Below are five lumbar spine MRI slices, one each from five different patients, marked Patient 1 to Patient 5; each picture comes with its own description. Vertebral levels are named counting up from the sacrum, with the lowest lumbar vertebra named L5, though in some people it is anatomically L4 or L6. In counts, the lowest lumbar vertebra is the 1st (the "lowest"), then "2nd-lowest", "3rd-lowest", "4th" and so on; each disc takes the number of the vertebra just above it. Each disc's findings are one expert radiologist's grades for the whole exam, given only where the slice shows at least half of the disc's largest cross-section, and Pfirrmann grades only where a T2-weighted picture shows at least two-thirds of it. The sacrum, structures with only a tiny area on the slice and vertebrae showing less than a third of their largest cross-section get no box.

Patient 1 of 5:
Patient sex: F. Sagittal T2 SPACE (3D) lumbar spine MRI. 512x640 px.
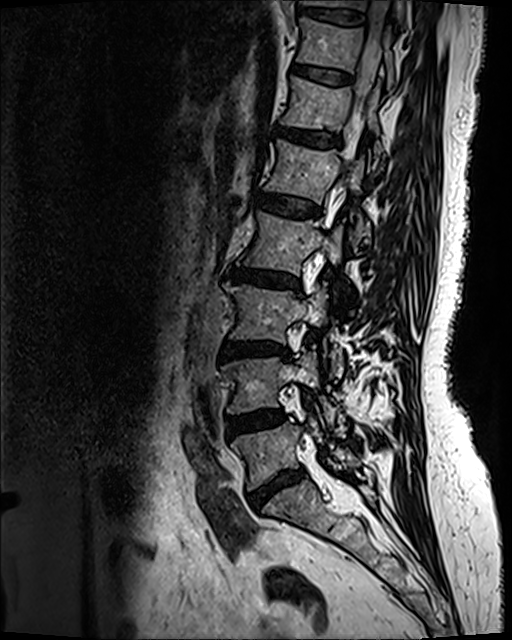
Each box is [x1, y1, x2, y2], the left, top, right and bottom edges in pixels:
{"T11 (7th vertebra)": "[297, 17, 393, 86]", "L5 (lowest vertebra)": "[231, 419, 360, 490]", "IVD T10/T11 (8th disc)": "[298, 7, 364, 25]", "L1 (5th vertebra)": "[266, 139, 370, 245]", "L1/L2 (5th disc)": "[254, 191, 319, 216]", "L3/L4 (3rd-lowest disc)": "[221, 340, 288, 355]", "L3 (3rd-lowest vertebra)": "[224, 283, 342, 374]", "IVD L5/S1 (lowest disc)": "[251, 471, 302, 507]", "spinal canal": "[352, 1, 390, 131]", "T11/T12 (7th disc)": "[292, 64, 351, 84]", "L2 (4th vertebra)": "[243, 212, 342, 275]", "T12/L1 (6th disc)": "[275, 127, 342, 147]", "L4 (2nd-lowest vertebra)": "[223, 351, 334, 421]", "T10 (8th vertebra)": "[303, 0, 407, 27]", "T12 (6th vertebra)": "[281, 78, 383, 163]", "IVD L2/L3 (4th disc)": "[227, 266, 300, 290]", "IVD L4/L5 (2nd-lowest disc)": "[228, 410, 283, 435]"}

Radiological gradings:
• L1/L2 (5th disc): Pfirrmann grade 2
• T11/T12 (7th disc): Pfirrmann grade 2
• L3/L4 (3rd-lowest disc): Pfirrmann grade 4, Modic type II, disc bulging, lower-endplate change, upper-endplate change, disc narrowing
• T10/T11 (8th disc): Pfirrmann grade 2
• L5/S1 (lowest disc): Pfirrmann grade 4, disc narrowing, disc bulging
• T12/L1 (6th disc): Pfirrmann grade 3, disc bulging
• L2/L3 (4th disc): Pfirrmann grade 4, upper-endplate change, disc narrowing, lower-endplate change, disc bulging, Modic type II
• L4/L5 (2nd-lowest disc): disc bulging

Patient 2 of 5:
Slice 6/24. MRI lumbar spine (T1-weighted), sagittal plane. Sex F. 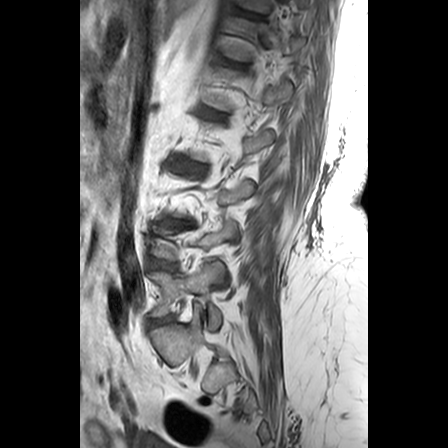 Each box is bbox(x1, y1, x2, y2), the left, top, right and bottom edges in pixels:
Intervertebral disc L5/S1 at bbox(148, 315, 173, 325); L2/L3 at bbox(182, 163, 204, 171); T12/L1 at bbox(226, 61, 244, 67); T11 at bbox(241, 0, 270, 13); L1/L2 at bbox(206, 110, 223, 117); intervertebral disc L3/L4 at bbox(164, 220, 182, 224); T11/T12 at bbox(239, 11, 263, 19); L5 at bbox(149, 261, 225, 328); intervertebral disc L4/L5 at bbox(149, 257, 176, 270).

Patient 3 of 5:
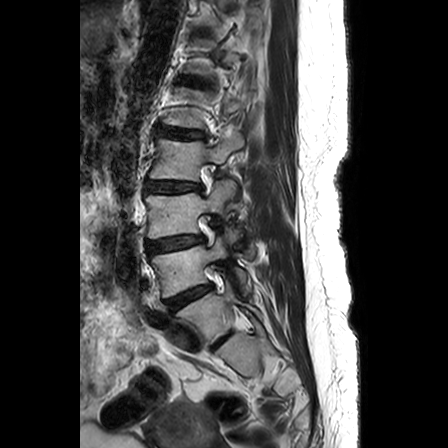
448x448 px. Sagittal T2-weighted lumbar spine MRI.

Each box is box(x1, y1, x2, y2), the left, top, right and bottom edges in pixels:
4th disc = box(146, 181, 201, 192) | lowest disc = box(213, 332, 233, 347) | 5th vertebra = box(163, 87, 252, 128) | 5th disc = box(159, 127, 204, 138) | 2nd-lowest disc = box(166, 284, 211, 310) | 3rd-lowest vertebra = box(145, 180, 239, 241) | 4th vertebra = box(150, 132, 244, 180) | 2nd-lowest vertebra = box(151, 232, 249, 297) | 3rd-lowest disc = box(147, 235, 203, 253) | lowest vertebra = box(175, 282, 262, 345) | 6th disc = box(181, 78, 206, 85)

Per-level radiological findings:
- 3rd-lowest disc: Pfirrmann grade 3, lower-endplate change, disc bulging, upper-endplate change
- 2nd-lowest disc: Pfirrmann grade 4, disc bulging, disc narrowing
- 4th disc: Pfirrmann grade 3, lower-endplate change, disc bulging, upper-endplate change
- 5th disc: Pfirrmann grade 3, upper-endplate change, lower-endplate change, disc bulging

Patient 4 of 5:
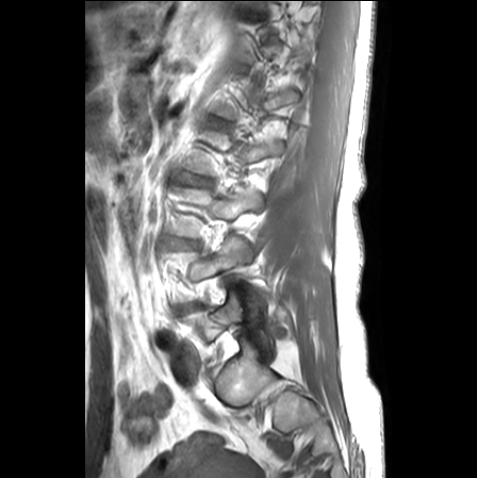
477x478 px, Lumbar spine MR, T1-weighted, sagittal, Sex F

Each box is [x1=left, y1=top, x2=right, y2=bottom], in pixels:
5th disc at [x1=209, y1=117, x2=227, y2=127] | lowest vertebra at [x1=182, y1=292, x2=270, y2=345] | 2nd-lowest vertebra at [x1=172, y1=238, x2=257, y2=308] | 4th disc at [x1=184, y1=177, x2=210, y2=186] | 2nd-lowest disc at [x1=178, y1=303, x2=200, y2=313] | 3rd-lowest vertebra at [x1=171, y1=187, x2=262, y2=237] | 3rd-lowest disc at [x1=171, y1=239, x2=197, y2=248]

Patient 5 of 5:
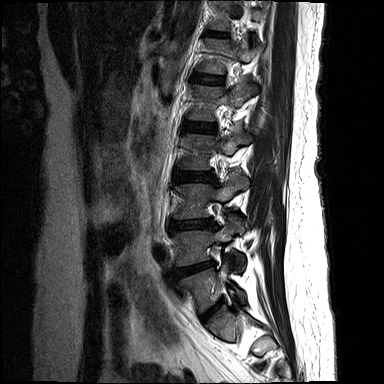 Sagittal T2-weighted lumbar spine MRI
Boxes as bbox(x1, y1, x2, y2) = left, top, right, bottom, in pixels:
• 6th vertebra: bbox(198, 38, 259, 73)
• lowest vertebra: bbox(178, 261, 246, 312)
• 2nd-lowest disc: bbox(175, 261, 214, 277)
• 7th vertebra: bbox(210, 0, 264, 30)
• 6th disc: bbox(194, 73, 223, 84)
• 4th disc: bbox(175, 172, 214, 182)
• 5th disc: bbox(184, 122, 215, 132)
• 5th vertebra: bbox(188, 79, 256, 120)
• lowest disc: bbox(198, 302, 221, 322)
• 7th disc: bbox(205, 30, 228, 36)
• 2nd-lowest vertebra: bbox(172, 217, 244, 267)
• 3rd-lowest disc: bbox(169, 219, 214, 228)
• 3rd-lowest vertebra: bbox(174, 171, 248, 219)
• 4th vertebra: bbox(182, 126, 251, 168)

Degenerative findings by level:
- 4th disc: Pfirrmann grade 3, disc bulging
- 6th disc: Pfirrmann grade 2
- 5th disc: Pfirrmann grade 2
- 3rd-lowest disc: Pfirrmann grade 4, disc bulging, upper-endplate change